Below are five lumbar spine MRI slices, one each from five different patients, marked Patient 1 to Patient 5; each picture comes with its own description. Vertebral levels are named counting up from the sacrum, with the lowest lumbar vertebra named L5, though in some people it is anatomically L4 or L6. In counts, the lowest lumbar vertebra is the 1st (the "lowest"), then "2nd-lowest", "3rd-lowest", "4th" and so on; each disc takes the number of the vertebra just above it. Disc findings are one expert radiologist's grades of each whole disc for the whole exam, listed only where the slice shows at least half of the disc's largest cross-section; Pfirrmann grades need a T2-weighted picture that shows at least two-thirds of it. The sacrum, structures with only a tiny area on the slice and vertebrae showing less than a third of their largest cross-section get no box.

Patient 1 of 5:
Slice 6 of 25, T1-weighted sagittal MRI of the lumbar spine
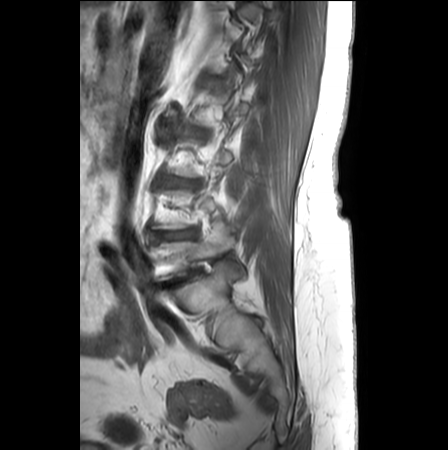 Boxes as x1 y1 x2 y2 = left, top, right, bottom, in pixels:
IVD L5/S1 (lowest disc): 158 268 201 287
L5 (lowest vertebra): 160 223 242 281
IVD L3/L4 (3rd-lowest disc): 168 176 199 189
L4/L5 (2nd-lowest disc): 160 229 194 239
IVD L2/L3 (4th disc): 187 128 203 138

Expert MSK radiologist gradings (per disc):
- L3/L4 (3rd-lowest disc): upper-endplate change, disc narrowing, lower-endplate change, disc bulging, Modic type II

Patient 2 of 5:
MRI lumbar spine (T2 SPACE (3D)), sagittal plane | Patient sex: F | 512x640 px
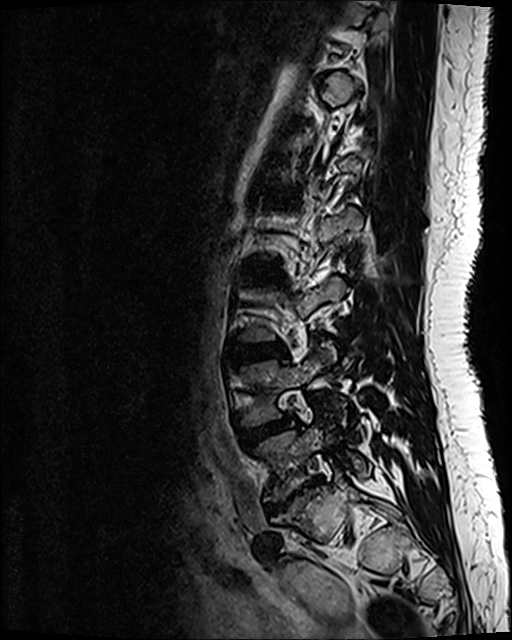

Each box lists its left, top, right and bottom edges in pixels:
3rd-lowest disc: left=231, top=345, right=285, bottom=359
lowest disc: left=266, top=479, right=321, bottom=514
lowest vertebra: left=258, top=426, right=368, bottom=500
4th disc: left=246, top=266, right=280, bottom=279
2nd-lowest vertebra: left=242, top=345, right=335, bottom=424
2nd-lowest disc: left=239, top=415, right=293, bottom=445

Degenerative findings by level:
• 3rd-lowest disc: disc bulging
• 2nd-lowest disc: disc bulging

Patient 3 of 5:
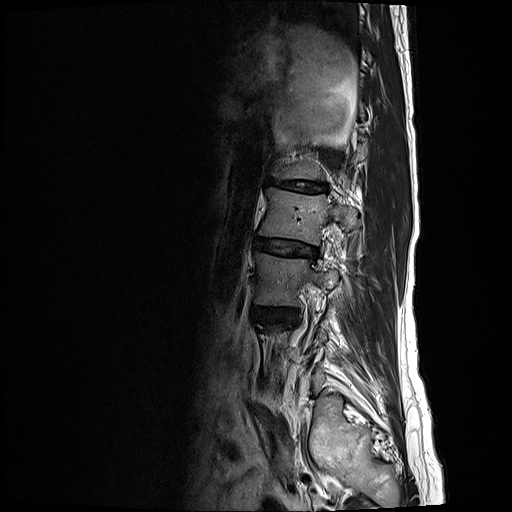 T2-weighted sagittal MRI of the lumbar spine

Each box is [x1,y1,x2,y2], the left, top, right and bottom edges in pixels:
Annotations:
- 4th vertebra: [260,187,357,245]
- 3rd-lowest vertebra: [255,253,338,306]
- 3rd-lowest disc: [253,306,297,322]
- 4th disc: [255,238,318,259]
- 5th disc: [269,179,325,193]

Radiological gradings:
  4th disc: Pfirrmann grade 3, disc narrowing, disc bulging
  5th disc: Pfirrmann grade 5, lower-endplate change, disc bulging, Modic type II, upper-endplate change, disc narrowing
  3rd-lowest disc: disc bulging

Patient 4 of 5:
547x552 px, Sagittal T1-weighted lumbar spine MRI, Slice 10 of 27

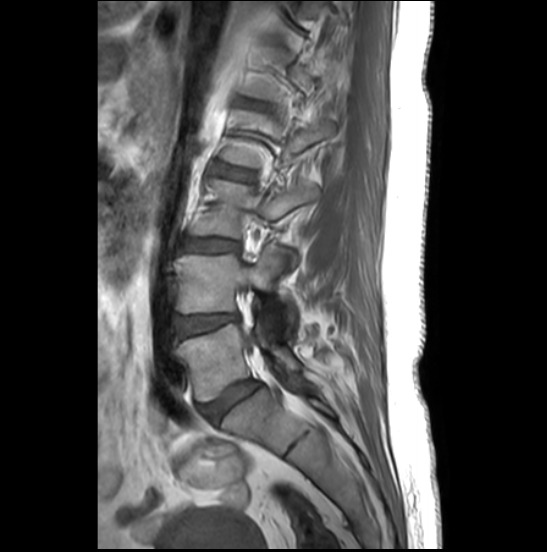 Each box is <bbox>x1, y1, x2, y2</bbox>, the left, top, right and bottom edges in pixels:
2nd-lowest disc at <bbox>175, 314, 237, 338</bbox>, 5th disc at <bbox>242, 100, 260, 109</bbox>, spinal canal at <bbox>246, 334, 254, 345</bbox>, 3rd-lowest disc at <bbox>183, 239, 238, 251</bbox>, lowest vertebra at <bbox>176, 313, 300, 401</bbox>, lowest disc at <bbox>200, 381, 259, 421</bbox>, 4th disc at <bbox>211, 164, 252, 181</bbox>, 3rd-lowest vertebra at <bbox>188, 180, 317, 268</bbox>, 4th vertebra at <bbox>220, 110, 334, 167</bbox>, 2nd-lowest vertebra at <bbox>173, 246, 293, 338</bbox>.

Expert MSK radiologist gradings (per disc):
- lowest disc: disc bulging
- 3rd-lowest disc: disc bulging
- 2nd-lowest disc: disc bulging
- 4th disc: no spondylolisthesis, narrowing, bulging, herniation, Modic or endplate change recorded

Patient 5 of 5:
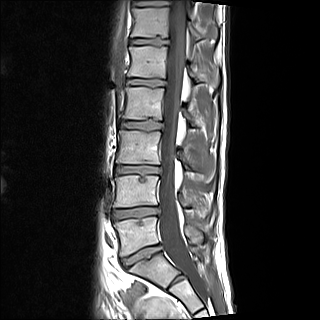 Patient sex: M, Sagittal slice index 6, T1-weighted sagittal MRI of the lumbar spine, Image 320x320
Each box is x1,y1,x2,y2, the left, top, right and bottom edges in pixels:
Intervertebral disc L3/L4 (3rd-lowest disc): 116,165,160,174.
Intervertebral disc L2/L3 (4th disc): 120,121,161,130.
Thecal sac / spinal canal: 159,0,200,291.
L4 (2nd-lowest vertebra): 113,175,209,217.
T12 (6th vertebra): 131,8,215,40.
L1 (5th vertebra): 127,46,219,86.
T12/L1 (6th disc): 130,38,168,44.
L1/L2 (5th disc): 127,79,165,86.
L2 (4th vertebra): 119,87,202,126.
T11 (7th vertebra): 140,0,170,4.
T11/T12 (7th disc): 135,3,165,5.
L3 (3rd-lowest vertebra): 116,130,214,181.
L4/L5 (2nd-lowest disc): 112,207,158,219.
L5 (lowest vertebra): 114,217,202,256.
L5/S1 (lowest disc): 121,245,160,267.

Per-level radiological findings:
• L5/S1 (lowest disc): upper-endplate change
• T12/L1 (6th disc): lower-endplate change, upper-endplate change
• L2/L3 (4th disc): lower-endplate change
• L3/L4 (3rd-lowest disc): lower-endplate change, disc narrowing, upper-endplate change
• T11/T12 (7th disc): upper-endplate change
• L4/L5 (2nd-lowest disc): upper-endplate change, lower-endplate change, disc bulging
• L1/L2 (5th disc): no Modic or endplate change, herniation, narrowing, bulging or spondylolisthesis recorded